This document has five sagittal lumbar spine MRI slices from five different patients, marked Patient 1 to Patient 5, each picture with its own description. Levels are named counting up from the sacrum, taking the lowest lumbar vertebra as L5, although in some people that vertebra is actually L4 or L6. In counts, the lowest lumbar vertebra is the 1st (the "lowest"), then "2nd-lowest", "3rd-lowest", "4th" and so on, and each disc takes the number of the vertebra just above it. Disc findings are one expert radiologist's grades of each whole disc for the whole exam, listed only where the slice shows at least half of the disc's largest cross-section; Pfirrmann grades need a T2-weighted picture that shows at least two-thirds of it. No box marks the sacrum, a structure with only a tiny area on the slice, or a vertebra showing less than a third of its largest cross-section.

Patient 1 of 5:
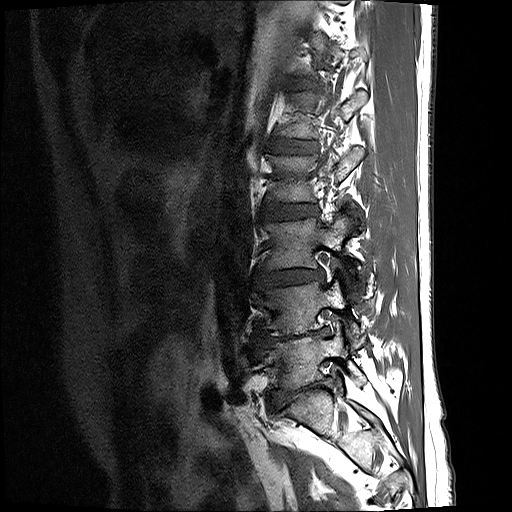
Patient sex: M. MRI lumbar spine (T1-weighted), sagittal plane.

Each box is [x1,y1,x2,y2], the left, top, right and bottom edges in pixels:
Segmented structures:
- L2 vertebra: [268,148,364,201]
- L3/L4: [255,269,322,288]
- L5/S1: [268,382,330,411]
- L5: [261,324,366,389]
- L4/L5: [258,330,327,347]
- intervertebral disc T12/L1: [294,83,314,87]
- L4 vertebra: [254,281,364,347]
- intervertebral disc L1/L2: [268,139,316,153]
- L3 vertebra: [264,216,362,285]
- L2/L3: [261,204,318,219]

Expert MSK radiologist gradings (per disc):
- L3/L4: disc narrowing, disc bulging
- L5/S1: disc narrowing, spondylolisthesis, lower-endplate change, disc bulging
- L4/L5: disc narrowing, Modic type II, lower-endplate change, disc bulging
- L2/L3, L1/L2: no Modic or endplate change, herniation, narrowing, bulging or spondylolisthesis recorded

Patient 2 of 5:
Image 658x661. T2-weighted sagittal MRI of the lumbar spine. Sagittal slice index 10. 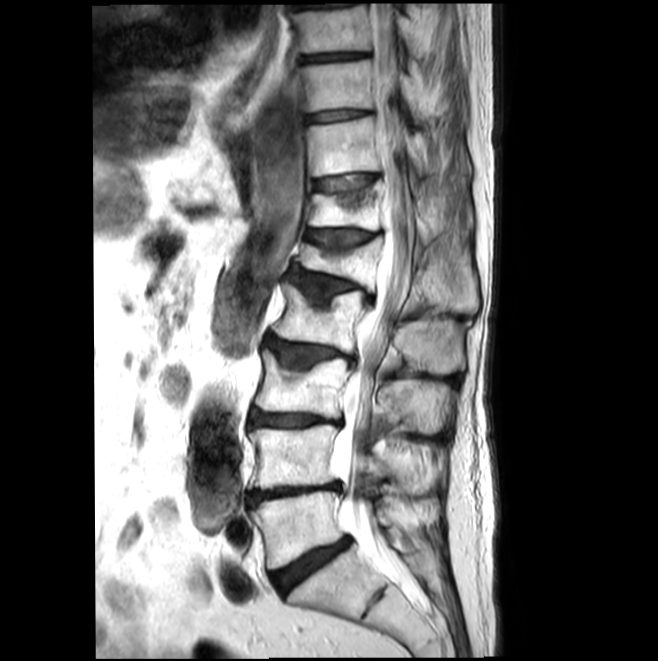 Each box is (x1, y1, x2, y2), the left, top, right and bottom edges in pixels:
Lowest vertebra = (251, 491, 435, 569).
2nd-lowest disc = (248, 483, 337, 506).
9th disc = (299, 52, 368, 63).
9th vertebra = (289, 4, 419, 56).
2nd-lowest vertebra = (248, 425, 432, 489).
Lowest disc = (272, 538, 349, 593).
6th disc = (305, 229, 373, 253).
4th vertebra = (271, 283, 463, 373).
4th disc = (265, 337, 350, 367).
5th disc = (288, 269, 374, 305).
7th disc = (312, 175, 377, 204).
5th vertebra = (294, 237, 477, 312).
8th vertebra = (301, 59, 422, 123).
Thecal sac / spinal canal = (337, 4, 413, 586).
8th disc = (307, 110, 366, 122).
3rd-lowest disc = (251, 410, 338, 428).
7th vertebra = (309, 117, 429, 176).
6th vertebra = (308, 182, 434, 243).
3rd-lowest vertebra = (255, 350, 446, 432).

Per-level radiological findings:
- 6th disc: Pfirrmann grade 3, upper-endplate change, Modic type II, disc narrowing
- 5th disc: Pfirrmann grade 3, disc bulging, spondylolisthesis, disc narrowing, Modic type II, upper-endplate change
- lowest disc: Pfirrmann grade 3, Modic type II, disc bulging, disc narrowing
- 2nd-lowest disc: upper-endplate change, lower-endplate change, disc narrowing, disc bulging, Modic type II
- 7th disc: Pfirrmann grade 2, Modic type II, upper-endplate change
- 4th disc: Pfirrmann grade 3, disc bulging, upper-endplate change, Modic type II, disc narrowing
- 8th disc: Pfirrmann grade 1
- 9th disc: Pfirrmann grade 1
- 3rd-lowest disc: Pfirrmann grade 3, disc narrowing, Modic type II, lower-endplate change, upper-endplate change, disc bulging

Patient 3 of 5:
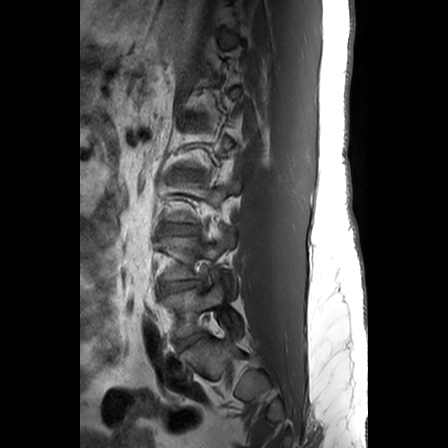 T1-weighted sagittal MRI of the lumbar spine.
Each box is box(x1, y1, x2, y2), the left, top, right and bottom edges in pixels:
2nd-lowest vertebra at box(162, 229, 236, 293); 3rd-lowest disc at box(163, 224, 197, 233); lowest disc at box(176, 333, 203, 350); 4th disc at box(183, 171, 195, 177); lowest vertebra at box(164, 277, 242, 337); 2nd-lowest disc at box(161, 280, 201, 294).

Radiological gradings:
- 2nd-lowest disc: no spondylolisthesis, narrowing, bulging, herniation, Modic or endplate change recorded

Patient 4 of 5:
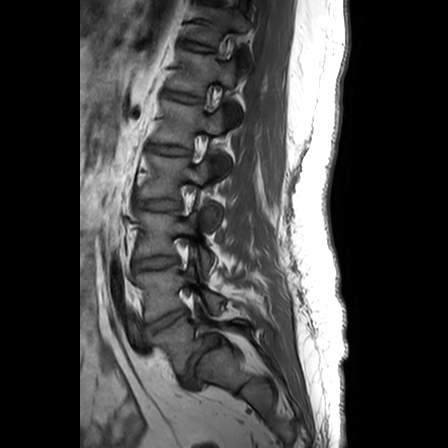
MRI lumbar spine (T1-weighted), sagittal plane, Field of view 280x280 mm
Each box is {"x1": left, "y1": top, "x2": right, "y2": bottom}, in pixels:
{"T11": {"x1": 185, "y1": 7, "x2": 248, "y2": 44}, "L5": {"x1": 152, "y1": 310, "x2": 249, "y2": 375}, "L1 vertebra": {"x1": 152, "y1": 100, "x2": 224, "y2": 146}, "intervertebral disc T11/T12": {"x1": 183, "y1": 42, "x2": 212, "y2": 51}, "L3": {"x1": 135, "y1": 212, "x2": 214, "y2": 271}, "T12/L1": {"x1": 166, "y1": 92, "x2": 201, "y2": 102}, "L2": {"x1": 138, "y1": 154, "x2": 217, "y2": 218}, "L4/L5": {"x1": 145, "y1": 309, "x2": 188, "y2": 334}, "L3/L4": {"x1": 134, "y1": 257, "x2": 178, "y2": 270}, "intervertebral disc L2/L3": {"x1": 134, "y1": 199, "x2": 180, "y2": 210}, "L1/L2": {"x1": 148, "y1": 144, "x2": 190, "y2": 154}, "T12": {"x1": 167, "y1": 49, "x2": 235, "y2": 94}, "intervertebral disc L5/S1": {"x1": 181, "y1": 336, "x2": 219, "y2": 385}, "L4 vertebra": {"x1": 136, "y1": 266, "x2": 223, "y2": 321}}

Per-level radiological findings:
- L4/L5: disc bulging
- L5/S1: disc narrowing, spondylolisthesis, disc bulging, lower-endplate change
- T12/L1, L1/L2, T11/T12, L3/L4, L2/L3: no herniation, bulging, narrowing, spondylolisthesis, endplate or Modic change recorded

Patient 5 of 5:
Field of view 280x280 mm, slice spacing 3.3 mm. Lumbar spine MR, T2-weighted, sagittal. Image 448x449. 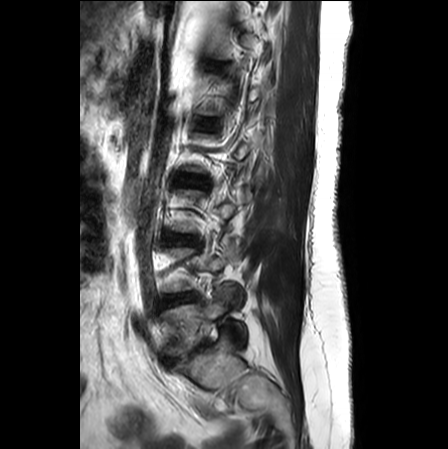 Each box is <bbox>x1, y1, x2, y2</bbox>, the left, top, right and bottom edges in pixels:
Structures:
* disc L4/L5 (2nd-lowest disc) at <bbox>163, 293, 195, 305</bbox>
* L5 (lowest vertebra) at <bbox>163, 285, 247, 355</bbox>
* L5/S1 (lowest disc) at <bbox>168, 342, 208, 363</bbox>
* disc L3/L4 (3rd-lowest disc) at <bbox>167, 235, 196, 243</bbox>
* L1/L2 (5th disc) at <bbox>197, 119, 217, 131</bbox>
* disc L2/L3 (4th disc) at <bbox>181, 176, 205, 185</bbox>